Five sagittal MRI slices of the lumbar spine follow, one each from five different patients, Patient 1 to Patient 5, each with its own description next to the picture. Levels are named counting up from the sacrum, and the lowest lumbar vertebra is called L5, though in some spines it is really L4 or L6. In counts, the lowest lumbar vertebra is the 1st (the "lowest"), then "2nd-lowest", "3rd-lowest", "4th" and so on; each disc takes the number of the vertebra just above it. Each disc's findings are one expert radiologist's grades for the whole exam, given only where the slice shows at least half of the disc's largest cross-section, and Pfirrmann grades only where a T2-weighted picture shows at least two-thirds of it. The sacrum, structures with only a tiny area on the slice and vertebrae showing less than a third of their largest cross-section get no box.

Patient 1 of 5:
Sagittal T2-weighted lumbar spine MRI, Philips Healthcare Ingenia (3T), Sagittal slice index 10
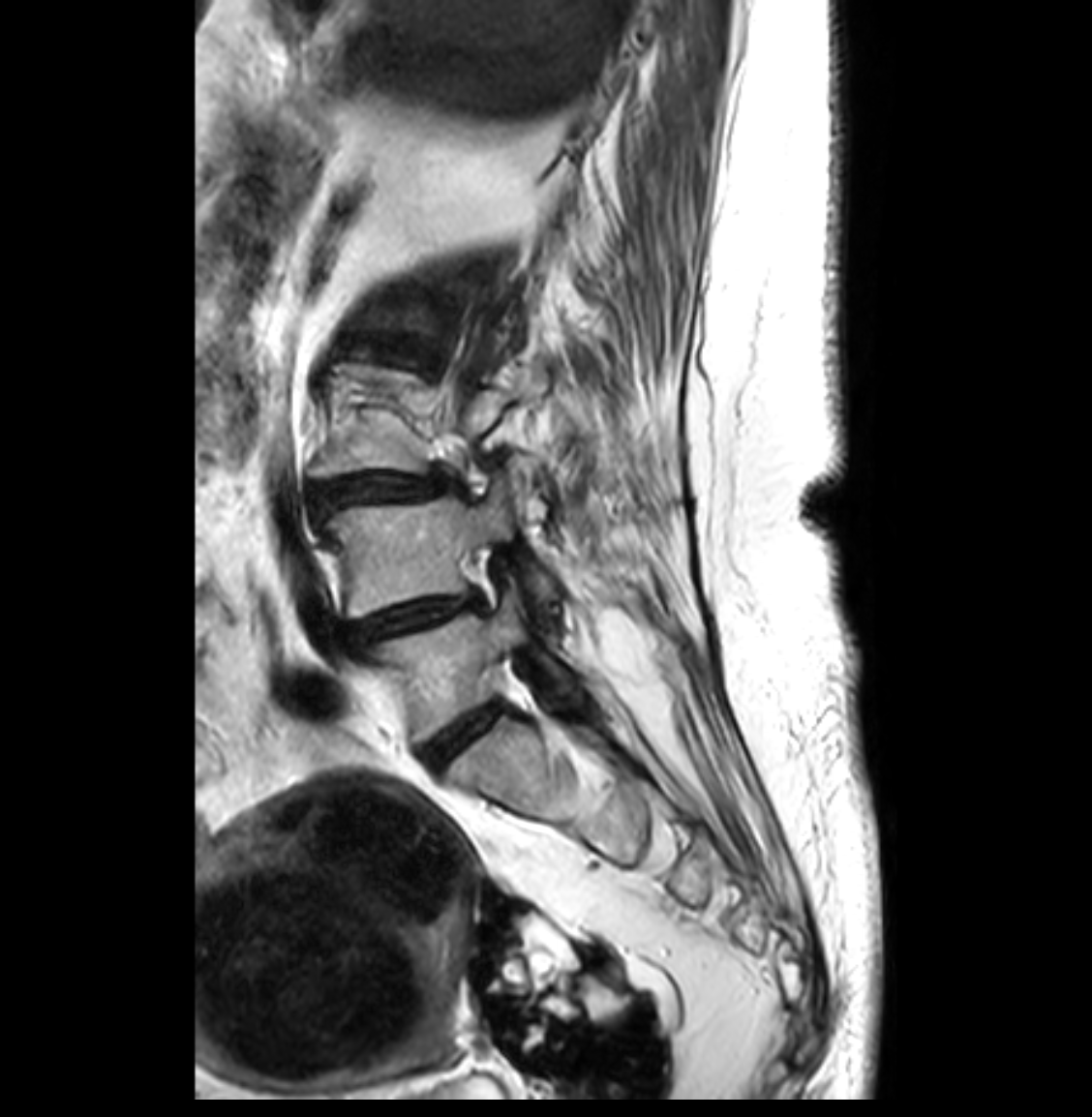
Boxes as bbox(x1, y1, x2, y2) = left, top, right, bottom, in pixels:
L4/L5: bbox(349, 595, 477, 644).
L5: bbox(368, 592, 560, 741).
L5/S1: bbox(424, 703, 501, 767).
L4 vertebra: bbox(319, 497, 555, 618).
Intervertebral disc L3/L4: bbox(315, 473, 447, 510).

Expert MSK radiologist gradings (per disc):
  L3/L4: Pfirrmann grade 4, disc narrowing, disc bulging, spondylolisthesis
  L4/L5: Pfirrmann grade 4, disc narrowing, disc bulging

Patient 2 of 5:
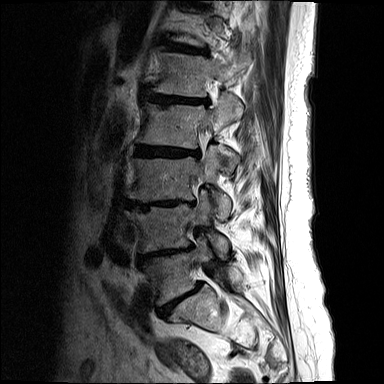 Lumbar spine MR, T2-weighted, sagittal, Field of view 260x260 mm
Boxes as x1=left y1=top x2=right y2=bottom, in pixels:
L1 at x1=151 y1=53 x2=240 y2=96, intervertebral disc L2/L3 at x1=136 y1=145 x2=198 y2=156, L3 vertebra at x1=129 y1=145 x2=231 y2=216, intervertebral disc L4/L5 at x1=140 y1=246 x2=191 y2=259, intervertebral disc L3/L4 at x1=127 y1=200 x2=191 y2=210, L2 at x1=137 y1=96 x2=242 y2=170, L5 vertebra at x1=144 y1=239 x2=240 y2=304, L4 vertebra at x1=126 y1=199 x2=228 y2=258, intervertebral disc L1/L2 at x1=144 y1=93 x2=207 y2=103, T12/L1 at x1=167 y1=43 x2=203 y2=52, intervertebral disc L5/S1 at x1=158 y1=284 x2=200 y2=316.

Expert MSK radiologist gradings (per disc):
  L1/L2: Pfirrmann grade 5, upper-endplate change, disc bulging, Modic type II, lower-endplate change, disc narrowing
  L4/L5: lower-endplate change, upper-endplate change, disc narrowing, disc bulging, Modic type II
  L2/L3: Pfirrmann grade 5, disc narrowing, upper-endplate change, Modic type II, lower-endplate change, disc bulging
  L3/L4: Pfirrmann grade 5, lower-endplate change, disc narrowing, upper-endplate change, Modic type II, disc bulging

Patient 3 of 5:
Sagittal T2 SPACE (3D) lumbar spine MRI 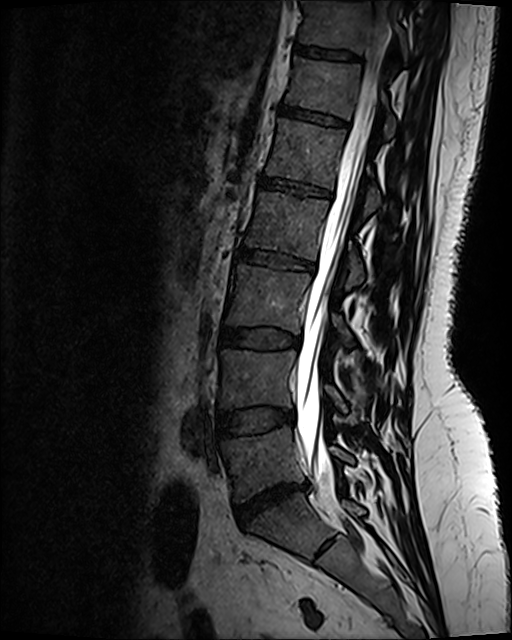

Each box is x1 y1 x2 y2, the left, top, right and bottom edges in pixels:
L5 (lowest vertebra) — 222 427 352 501.
L1 (5th vertebra) — 267 120 380 214.
T11 (7th vertebra) — 301 3 407 58.
L3 (3rd-lowest vertebra) — 227 266 351 345.
L1/L2 (5th disc) — 261 179 331 198.
Thecal sac / spinal canal — 297 1 389 478.
L4 (2nd-lowest vertebra) — 221 350 347 412.
L2 (4th vertebra) — 246 193 364 288.
T11/T12 (7th disc) — 295 48 358 61.
L4/L5 (2nd-lowest disc) — 219 409 292 438.
T12 (6th vertebra) — 286 59 395 138.
L3/L4 (3rd-lowest disc) — 221 329 293 349.
Intervertebral disc L2/L3 (4th disc) — 237 249 314 271.
L5/S1 (lowest disc) — 235 486 305 526.
Intervertebral disc T12/L1 (6th disc) — 280 106 347 129.

Expert MSK radiologist gradings (per disc):
• L5/S1 (lowest disc): Pfirrmann grade 1, disc bulging, disc narrowing, disc herniation
• L3/L4 (3rd-lowest disc): Pfirrmann grade 2, disc bulging
• L4/L5 (2nd-lowest disc): Pfirrmann grade 2, disc bulging
• L2/L3 (4th disc): Pfirrmann grade 4, upper-endplate change, disc bulging, lower-endplate change
• T11/T12 (7th disc): Pfirrmann grade 2
• T12/L1 (6th disc): Pfirrmann grade 2, lower-endplate change, upper-endplate change
• L1/L2 (5th disc): Pfirrmann grade 2, upper-endplate change, lower-endplate change

Patient 4 of 5:
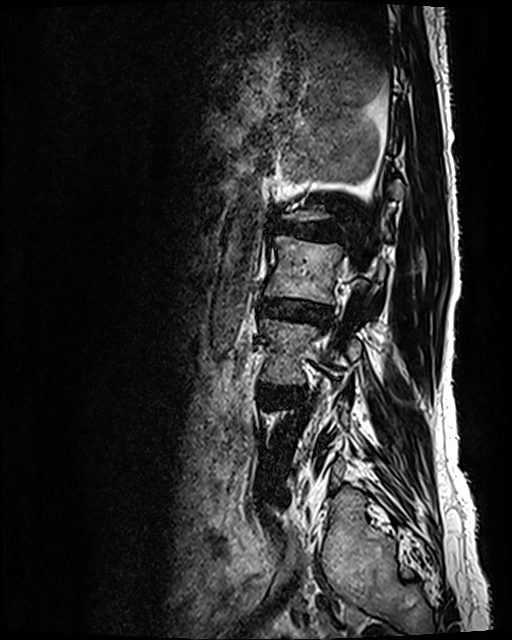 Lumbar spine MR, T2 SPACE (3D), sagittal | Slice 27/120
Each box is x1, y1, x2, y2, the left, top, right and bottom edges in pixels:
Segmented structures:
- L2/L3 at 260, 298, 330, 323
- L1/L2 at 280, 220, 338, 239
- L3 at 261, 318, 361, 383
- L3/L4 at 264, 386, 297, 396
- L2 vertebra at 265, 236, 386, 303

Expert MSK radiologist gradings (per disc):
• L2/L3: Pfirrmann grade 3, disc bulging, disc narrowing
• L1/L2: Pfirrmann grade 5, lower-endplate change, upper-endplate change, Modic type II, disc bulging, disc narrowing

Patient 5 of 5:
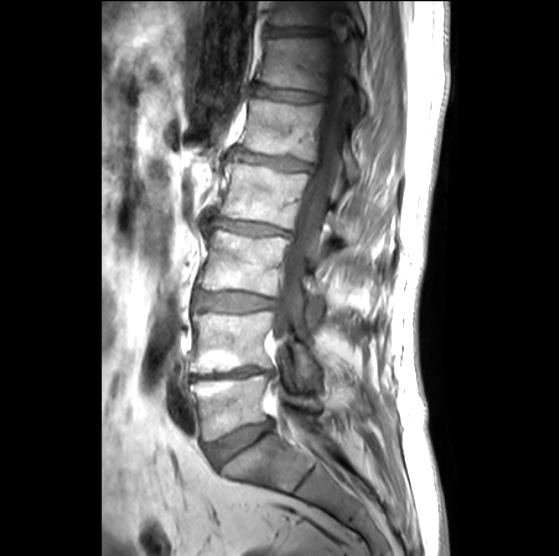 Image 559x556; Lumbar spine MR, T1-weighted, sagittal
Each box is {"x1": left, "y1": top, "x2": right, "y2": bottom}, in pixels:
{"L4": {"x1": 190, "y1": 308, "x2": 320, "y2": 385}, "L4/L5": {"x1": 191, "y1": 366, "x2": 273, "y2": 379}, "L3/L4": {"x1": 195, "y1": 290, "x2": 277, "y2": 311}, "intervertebral disc L5/S1": {"x1": 207, "y1": 420, "x2": 272, "y2": 465}, "T11/T12": {"x1": 268, "y1": 26, "x2": 327, "y2": 35}, "L3 vertebra": {"x1": 198, "y1": 223, "x2": 326, "y2": 313}, "L1/L2": {"x1": 232, "y1": 150, "x2": 312, "y2": 171}, "T12 vertebra": {"x1": 256, "y1": 37, "x2": 367, "y2": 111}, "intervertebral disc T12/L1": {"x1": 252, "y1": 85, "x2": 323, "y2": 101}, "intervertebral disc L2/L3": {"x1": 209, "y1": 212, "x2": 290, "y2": 234}, "L1": {"x1": 242, "y1": 98, "x2": 361, "y2": 179}, "L2": {"x1": 218, "y1": 161, "x2": 345, "y2": 237}, "thecal sac / spinal canal": {"x1": 269, "y1": 44, "x2": 342, "y2": 451}, "T11": {"x1": 271, "y1": 1, "x2": 365, "y2": 30}, "L5 vertebra": {"x1": 191, "y1": 374, "x2": 362, "y2": 439}}

Expert MSK radiologist gradings (per disc):
• L1/L2: lower-endplate change, Modic type III, upper-endplate change, disc bulging, disc narrowing
• T11/T12: disc narrowing
• L5/S1: disc bulging
• L4/L5: disc narrowing, upper-endplate change, lower-endplate change, Modic type II
• L3/L4: disc bulging
• L2/L3: Modic type II, disc bulging, disc narrowing, upper-endplate change, lower-endplate change
• T12/L1: disc narrowing